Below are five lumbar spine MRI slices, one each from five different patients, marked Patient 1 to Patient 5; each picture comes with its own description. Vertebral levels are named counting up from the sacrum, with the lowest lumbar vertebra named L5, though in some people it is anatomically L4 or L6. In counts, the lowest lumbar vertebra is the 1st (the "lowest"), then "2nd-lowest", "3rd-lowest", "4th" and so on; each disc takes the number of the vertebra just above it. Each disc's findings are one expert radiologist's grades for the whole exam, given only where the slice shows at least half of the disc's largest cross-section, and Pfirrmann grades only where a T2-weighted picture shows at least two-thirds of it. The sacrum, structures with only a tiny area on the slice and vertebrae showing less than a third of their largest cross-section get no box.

Patient 1 of 5:
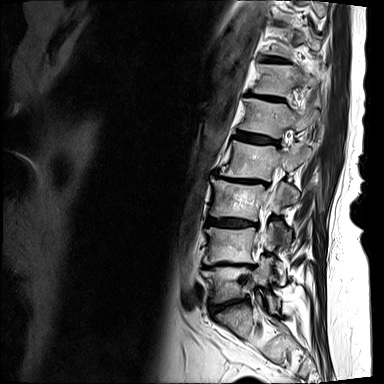 Patient sex: F, T2-weighted sagittal MRI of the lumbar spine, Slice 10 of 15

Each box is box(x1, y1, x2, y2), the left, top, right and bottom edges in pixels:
{"3rd-lowest disc": "box(208, 218, 256, 227)", "5th disc": "box(236, 132, 276, 143)", "7th vertebra": "box(268, 28, 321, 57)", "7th disc": "box(265, 58, 285, 62)", "6th disc": "box(250, 94, 281, 99)", "2nd-lowest disc": "box(204, 262, 253, 268)", "3rd-lowest vertebra": "box(210, 178, 295, 243)", "lowest vertebra": "box(202, 259, 275, 309)", "5th vertebra": "box(240, 98, 319, 138)", "6th vertebra": "box(253, 65, 321, 96)", "2nd-lowest vertebra": "box(204, 223, 285, 276)", "lowest disc": "box(209, 298, 247, 313)", "4th disc": "box(217, 175, 264, 183)", "4th vertebra": "box(221, 140, 312, 180)", "spinal canal": "box(257, 185, 276, 249)"}

Radiological gradings:
• 5th disc: Pfirrmann grade 4, disc bulging, upper-endplate change, lower-endplate change
• 6th disc: disc bulging, lower-endplate change, Modic type II, disc narrowing, upper-endplate change
• lowest disc: upper-endplate change, disc bulging, disc narrowing, Modic type II, lower-endplate change
• 3rd-lowest disc: Pfirrmann grade 4, lower-endplate change, disc bulging, upper-endplate change
• 2nd-lowest disc: Pfirrmann grade 5, disc narrowing, lower-endplate change, disc bulging, upper-endplate change, Modic type II
• 4th disc: Pfirrmann grade 5, spondylolisthesis, disc narrowing, Modic type II, upper-endplate change, disc bulging, lower-endplate change

Patient 2 of 5:
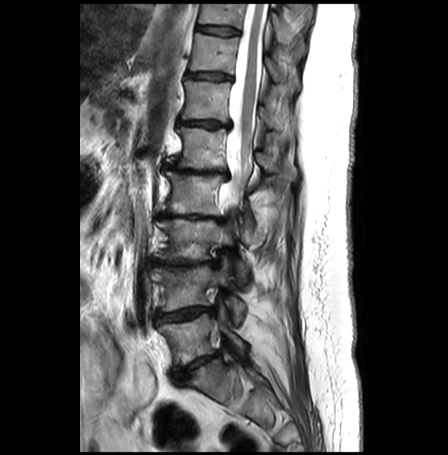
T2-weighted sagittal MRI of the lumbar spine; Slice 13 of 30

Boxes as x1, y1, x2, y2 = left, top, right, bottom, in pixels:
Intervertebral disc T10/T11 at 197, 25, 238, 35; L1/L2 at 163, 164, 229, 179; L3 at 155, 218, 248, 284; L4/L5 at 158, 307, 213, 322; L1 vertebra at 167, 127, 296, 179; intervertebral disc L5/S1 at 173, 353, 219, 378; T12/L1 at 178, 120, 229, 127; L5 at 159, 304, 245, 368; T10 at 198, 4, 305, 57; T11/T12 at 188, 73, 231, 80; T12 at 182, 81, 274, 127; spinal canal at 219, 4, 267, 213; T11 vertebra at 190, 33, 299, 90; L2 at 166, 172, 254, 229; intervertebral disc L2/L3 at 159, 213, 223, 222; L4 vertebra at 152, 256, 246, 324; L3/L4 at 151, 258, 217, 267.

Expert MSK radiologist gradings (per disc):
- L1/L2: Pfirrmann grade 5, disc narrowing, Modic type II, upper-endplate change, lower-endplate change, disc bulging
- T10/T11: Pfirrmann grade 1
- L5/S1: disc narrowing, Modic type II, disc bulging, upper-endplate change, lower-endplate change
- L3/L4: Modic type II, lower-endplate change, disc narrowing, disc bulging, upper-endplate change
- L4/L5: Pfirrmann grade 3, disc herniation, upper-endplate change, Modic type II, disc bulging, lower-endplate change, disc narrowing
- T12/L1: Pfirrmann grade 4, disc narrowing, upper-endplate change, Modic type II, lower-endplate change, disc bulging
- T11/T12: Pfirrmann grade 2, disc bulging

Patient 3 of 5:
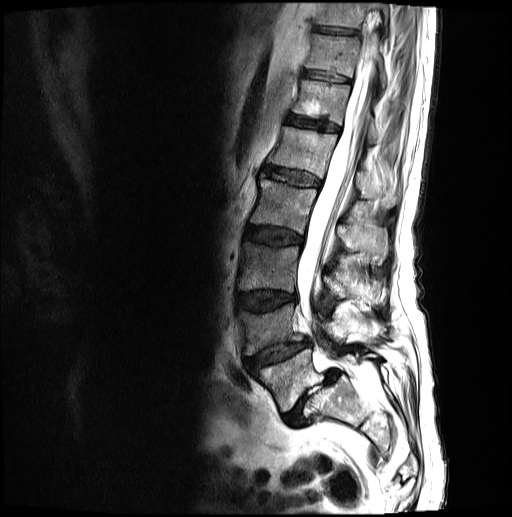
Sagittal T2-weighted lumbar spine MRI; Field of view 300x303 mm; Sex M
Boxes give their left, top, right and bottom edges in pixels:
T11 vertebra — left=304, top=34, right=386, bottom=89.
IVD T12/L1 — left=286, top=115, right=338, bottom=133.
IVD L3/L4 — left=235, top=291, right=296, bottom=310.
Spinal canal — left=296, top=3, right=376, bottom=357.
L3 vertebra — left=237, top=242, right=375, bottom=298.
IVD L2/L3 — left=245, top=226, right=302, bottom=245.
T10 vertebra — left=313, top=3, right=389, bottom=32.
L2 vertebra — left=250, top=180, right=387, bottom=262.
L1 — left=268, top=127, right=399, bottom=208.
L1/L2 — left=264, top=167, right=319, bottom=187.
L5 — left=249, top=349, right=381, bottom=412.
IVD T10/T11 — left=312, top=26, right=357, bottom=35.
L4/L5 — left=243, top=340, right=309, bottom=369.
L4 vertebra — left=237, top=304, right=346, bottom=356.
T12 vertebra — left=292, top=81, right=405, bottom=148.
T11/T12 — left=300, top=70, right=349, bottom=82.
L5/S1 — left=283, top=369, right=337, bottom=426.

Radiological gradings:
• L2/L3: Pfirrmann grade 3, disc bulging
• T10/T11: Pfirrmann grade 3
• T11/T12: Pfirrmann grade 3
• L5/S1: Pfirrmann grade 5, disc herniation, spondylolisthesis, Modic type II, disc narrowing
• T12/L1: Pfirrmann grade 3
• L1/L2: Pfirrmann grade 3
• L3/L4: Pfirrmann grade 3, lower-endplate change, disc bulging, upper-endplate change
• L4/L5: Pfirrmann grade 3, upper-endplate change, lower-endplate change, disc herniation, spondylolisthesis, disc narrowing

Patient 4 of 5:
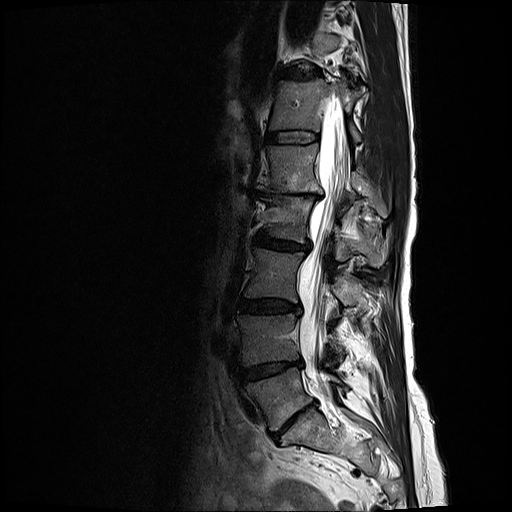 MRI lumbar spine (T2-weighted), sagittal plane, Slice 13/25

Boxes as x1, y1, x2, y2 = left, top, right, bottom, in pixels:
T12 (6th vertebra) — 270, 79, 361, 142 | L5 (lowest vertebra) — 244, 367, 341, 431 | L2/L3 (4th disc) — 256, 231, 309, 250 | disc L5/S1 (lowest disc) — 273, 403, 313, 438 | L1 (5th vertebra) — 258, 143, 389, 218 | L4 (2nd-lowest vertebra) — 238, 314, 345, 366 | disc L3/L4 (3rd-lowest disc) — 239, 299, 300, 314 | L2 (4th vertebra) — 266, 198, 386, 267 | disc L1/L2 (5th disc) — 262, 190, 323, 200 | L4/L5 (2nd-lowest disc) — 240, 362, 301, 381 | T12/L1 (6th disc) — 266, 130, 317, 144 | spinal canal — 298, 103, 346, 393 | disc T11/T12 (7th disc) — 277, 67, 325, 79 | L3 (3rd-lowest vertebra) — 246, 249, 362, 307

Expert MSK radiologist gradings (per disc):
• L1/L2 (5th disc): Pfirrmann grade 5, disc bulging, Modic type II, disc narrowing, upper-endplate change, lower-endplate change
• T11/T12 (7th disc): Pfirrmann grade 3, disc narrowing, disc bulging
• T12/L1 (6th disc): Pfirrmann grade 2
• L3/L4 (3rd-lowest disc): Pfirrmann grade 3, disc bulging
• L2/L3 (4th disc): disc narrowing, disc bulging
• L4/L5 (2nd-lowest disc): Pfirrmann grade 4, disc narrowing, Modic type II, disc bulging

Patient 5 of 5:
Sagittal T2-weighted lumbar spine MRI. Patient sex: F.
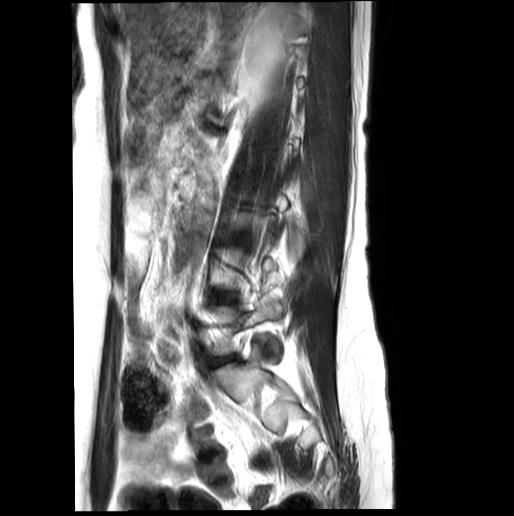 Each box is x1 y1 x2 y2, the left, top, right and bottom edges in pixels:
disc L5/S1 (lowest disc): 209 357 231 366 | disc L4/L5 (2nd-lowest disc): 211 292 234 304 | L5 (lowest vertebra): 210 299 282 355